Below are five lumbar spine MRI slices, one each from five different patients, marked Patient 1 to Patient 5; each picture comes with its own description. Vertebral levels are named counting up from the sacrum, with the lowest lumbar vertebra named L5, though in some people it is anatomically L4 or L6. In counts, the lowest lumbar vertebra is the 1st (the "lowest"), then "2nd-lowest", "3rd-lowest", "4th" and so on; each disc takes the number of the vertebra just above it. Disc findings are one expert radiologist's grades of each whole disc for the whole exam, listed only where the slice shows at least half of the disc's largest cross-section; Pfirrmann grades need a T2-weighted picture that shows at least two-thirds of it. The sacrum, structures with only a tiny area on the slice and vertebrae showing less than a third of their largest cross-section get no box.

Patient 1 of 5:
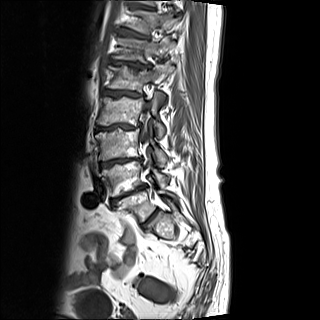

Sagittal T1-weighted lumbar spine MRI. Image 320x320.
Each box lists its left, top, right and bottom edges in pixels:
IVD T10/T11 (8th disc) at left=131, top=4, right=152, bottom=9.
IVD T11/T12 (7th disc) at left=118, top=28, right=149, bottom=38.
IVD L4/L5 (2nd-lowest disc) at left=111, top=187, right=143, bottom=205.
Spinal canal at left=142, top=109, right=149, bottom=143.
IVD T12/L1 (6th disc) at left=112, top=60, right=145, bottom=68.
L1 (5th vertebra) at left=109, top=65, right=174, bottom=92.
IVD L3/L4 (3rd-lowest disc) at left=100, top=157, right=141, bottom=167.
L3 (3rd-lowest vertebra) at left=95, top=128, right=167, bottom=166.
T11 (7th vertebra) at left=126, top=10, right=178, bottom=34.
IVD L1/L2 (5th disc) at left=104, top=90, right=142, bottom=97.
IVD L2/L3 (4th disc) at left=96, top=124, right=140, bottom=130.
L2 (4th vertebra) at left=97, top=92, right=165, bottom=138.
L5 (lowest vertebra) at left=118, top=187, right=177, bottom=221.
L4 (2nd-lowest vertebra) at left=102, top=155, right=169, bottom=196.
T12 (6th vertebra) at left=113, top=37, right=175, bottom=61.

Degenerative findings by level:
- L3/L4 (3rd-lowest disc): Modic type II, disc bulging, lower-endplate change, upper-endplate change, disc narrowing
- L2/L3 (4th disc): upper-endplate change, Modic type II, disc narrowing, lower-endplate change, disc bulging
- L1/L2 (5th disc): upper-endplate change, Modic type II, disc narrowing, disc bulging, lower-endplate change
- T12/L1 (6th disc): disc bulging, upper-endplate change, lower-endplate change, Modic type II, disc narrowing
- T11/T12 (7th disc): upper-endplate change, Modic type II, lower-endplate change, disc bulging

Patient 2 of 5:
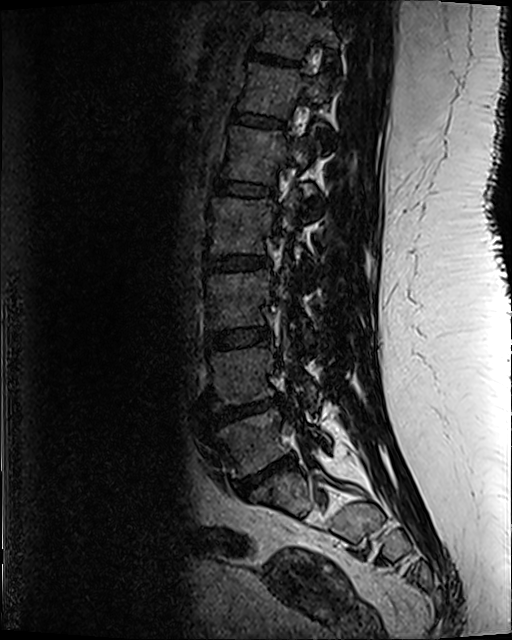 Field of view 240x300 mm, slice spacing 0.9 mm; T2 SPACE (3D) sagittal MRI of the lumbar spine; Image 512x640; Slice 46/120
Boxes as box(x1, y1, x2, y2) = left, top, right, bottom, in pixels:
L5/S1 at box(236, 457, 291, 495) | L2 at box(209, 190, 305, 267) | intervertebral disc L1/L2 at box(214, 182, 270, 195) | intervertebral disc L3/L4 at box(207, 328, 269, 350) | L5 at box(212, 409, 330, 476) | intervertebral disc T10/T11 at box(266, 0, 311, 9) | intervertebral disc T12/L1 at box(231, 112, 283, 127) | T11 at box(257, 11, 337, 58) | T12 at box(240, 63, 330, 115) | L4 at box(211, 337, 317, 409) | L1 vertebra at box(221, 127, 322, 184) | intervertebral disc L4/L5 at box(216, 399, 280, 423) | L3 at box(209, 263, 314, 344) | intervertebral disc T11/T12 at box(251, 53, 295, 65) | L2/L3 at box(206, 255, 267, 271)

Per-level radiological findings:
  L1/L2: Pfirrmann grade 3, lower-endplate change
  L4/L5: disc herniation, upper-endplate change, lower-endplate change, disc narrowing, Modic type II
  L2/L3: Pfirrmann grade 3, lower-endplate change, upper-endplate change
  T12/L1: Pfirrmann grade 3
  L3/L4: Pfirrmann grade 3
  L5/S1: Pfirrmann grade 5, upper-endplate change, Modic type II, disc narrowing, disc herniation, lower-endplate change

Patient 3 of 5:
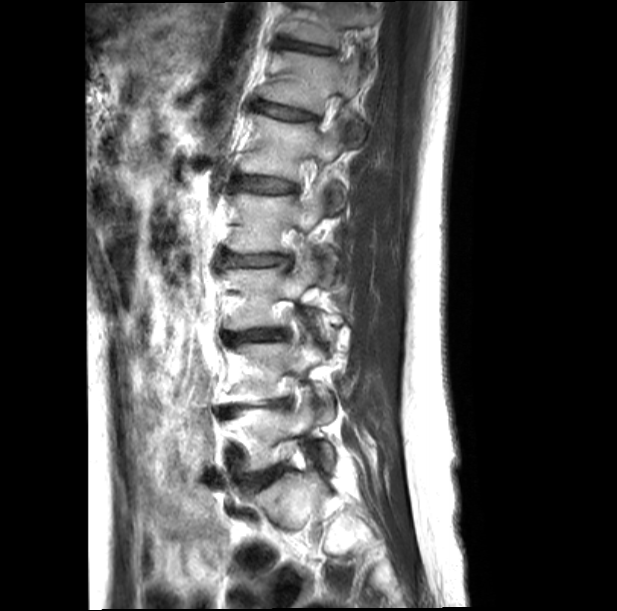 Lumbar spine MR, T2-weighted, sagittal. 617x611 px.
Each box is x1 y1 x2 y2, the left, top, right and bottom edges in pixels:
Annotations:
• L5 = 223 404 333 470
• IVD L2/L3 = 222 253 291 266
• IVD T12/L1 = 252 101 315 119
• L2 = 227 189 338 276
• T12 vertebra = 258 51 364 144
• IVD L4/L5 = 217 399 291 419
• L1 vertebra = 240 113 344 211
• IVD L3/L4 = 225 329 286 343
• L3 vertebra = 223 258 335 341
• L5/S1 = 252 466 282 488
• T11/T12 = 278 38 333 54
• IVD L1/L2 = 236 176 297 193
• L4 = 222 333 333 421
• T11 = 283 2 379 48

Per-level radiological findings:
• L3/L4: lower-endplate change, disc bulging, disc narrowing, upper-endplate change
• L4/L5: disc bulging, upper-endplate change, disc narrowing, lower-endplate change
• L1/L2: Pfirrmann grade 3, upper-endplate change, lower-endplate change, disc bulging
• L2/L3: upper-endplate change, lower-endplate change, disc bulging
• T11/T12: upper-endplate change, disc narrowing, lower-endplate change
• T12/L1: Pfirrmann grade 3, upper-endplate change, disc narrowing, disc bulging, lower-endplate change

Patient 4 of 5:
T2 SPACE (3D) sagittal MRI of the lumbar spine.
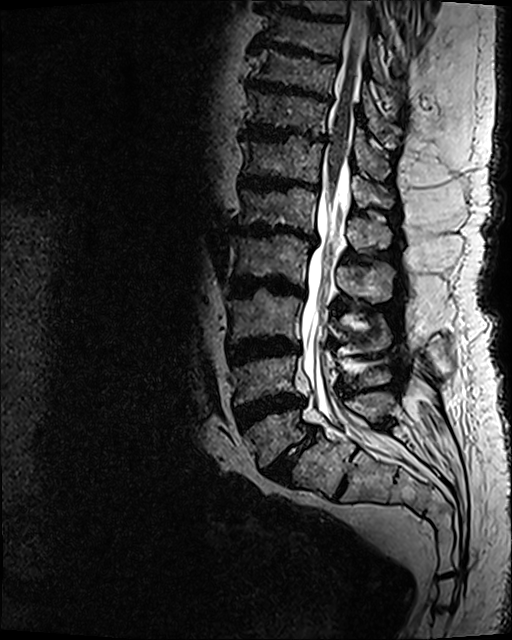
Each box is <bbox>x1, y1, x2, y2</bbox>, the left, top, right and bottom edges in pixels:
IVD L5/S1 at <bbox>264, 426, 314, 481</bbox>, L4 at <bbox>234, 355, 391, 403</bbox>, IVD T11/T12 at <bbox>240, 120, 327, 142</bbox>, T12 vertebra at <bbox>240, 135, 393, 207</bbox>, IVD T10/T11 at <bbox>247, 79, 331, 103</bbox>, T11 at <bbox>247, 89, 389, 178</bbox>, T10 vertebra at <bbox>251, 48, 396, 142</bbox>, IVD T12/L1 at <bbox>239, 174, 319, 192</bbox>, L3/L4 at <bbox>227, 336, 299, 364</bbox>, L1/L2 at <bbox>233, 224, 319, 245</bbox>, L5 at <bbox>246, 390, 396, 467</bbox>, IVD L2/L3 at <bbox>230, 274, 304, 297</bbox>, IVD L4/L5 at <bbox>233, 394, 306, 432</bbox>, spinal canal at <bbox>301, 1, 399, 458</bbox>, L3 vertebra at <bbox>228, 289, 391, 346</bbox>, IVD T9/T10 at <bbox>248, 44, 338, 63</bbox>, L1 at <bbox>236, 186, 392, 251</bbox>, L2 at <bbox>234, 233, 396, 303</bbox>.

Per-level radiological findings:
• L1/L2: disc bulging, disc narrowing, lower-endplate change, Modic type II, upper-endplate change
• L2/L3: Pfirrmann grade 5, upper-endplate change, disc narrowing, disc bulging, lower-endplate change, Modic type II
• T9/T10: Pfirrmann grade 5, lower-endplate change, Modic type II, disc narrowing, disc bulging, upper-endplate change
• L4/L5: Pfirrmann grade 5, disc bulging, lower-endplate change, disc narrowing, upper-endplate change, Modic type II
• T12/L1: Pfirrmann grade 5, Modic type II, lower-endplate change, disc bulging, disc narrowing, upper-endplate change
• L5/S1: Pfirrmann grade 5, spondylolisthesis, upper-endplate change, lower-endplate change, disc narrowing, disc bulging, Modic type II
• L3/L4: Pfirrmann grade 5, upper-endplate change, Modic type II, disc narrowing, lower-endplate change, disc bulging
• T11/T12: Pfirrmann grade 5, disc bulging, disc narrowing, lower-endplate change, upper-endplate change, Modic type II
• T10/T11: lower-endplate change, disc bulging, Modic type II, disc narrowing, upper-endplate change

Patient 5 of 5:
Sagittal slice index 97, SIEMENS Avanto_fit (1.5T), Field of view 240x300 mm, T2 SPACE (3D) sagittal MRI of the lumbar spine
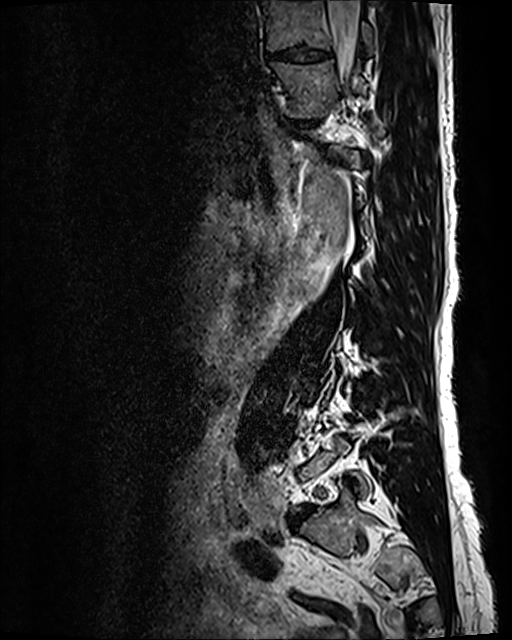

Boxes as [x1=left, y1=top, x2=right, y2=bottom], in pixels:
* intervertebral disc T10/T11 = [x1=267, y1=47, x2=331, y2=61]
* T11 vertebra = [x1=272, y1=61, x2=366, y2=117]
* T10 = [x1=262, y1=1, x2=373, y2=53]
* T11/T12 = [x1=299, y1=122, x2=314, y2=127]
* thecal sac / spinal canal = [x1=328, y1=1, x2=360, y2=83]

Per-level radiological findings:
- T10/T11: Pfirrmann grade 3, disc bulging, disc narrowing